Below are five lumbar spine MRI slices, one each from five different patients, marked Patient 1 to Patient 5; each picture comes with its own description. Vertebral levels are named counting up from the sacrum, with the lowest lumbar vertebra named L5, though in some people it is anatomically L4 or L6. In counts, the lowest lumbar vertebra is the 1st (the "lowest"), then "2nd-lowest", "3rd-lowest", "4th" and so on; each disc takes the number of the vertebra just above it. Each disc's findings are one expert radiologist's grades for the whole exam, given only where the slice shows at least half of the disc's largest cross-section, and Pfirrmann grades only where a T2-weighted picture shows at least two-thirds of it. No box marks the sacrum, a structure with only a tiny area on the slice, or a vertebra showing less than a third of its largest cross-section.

Patient 1 of 5:
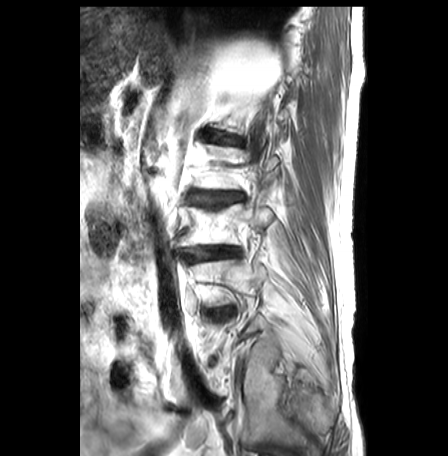
Patient sex: M, Sagittal slice index 7, Sagittal T2-weighted lumbar spine MRI, Slice spacing 3.2 mm

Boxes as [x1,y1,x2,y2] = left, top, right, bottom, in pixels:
L3: [180,204,273,245].
Disc L2/L3: [191,192,240,211].
Disc L4/L5: [212,308,230,315].
Disc L3/L4: [185,246,236,262].

Degenerative findings by level:
• L3/L4: disc bulging, lower-endplate change, disc narrowing, Modic type II, upper-endplate change
• L2/L3: lower-endplate change, disc narrowing, upper-endplate change, disc bulging, Modic type II

Patient 2 of 5:
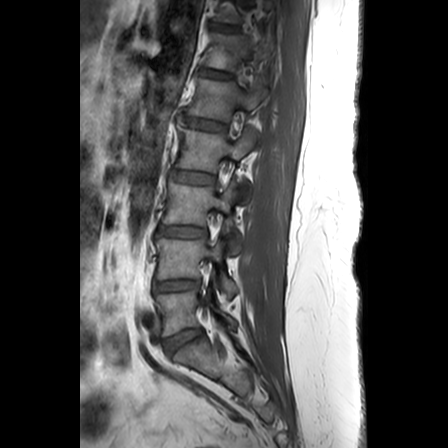
Image 448x448; MRI lumbar spine (T1-weighted), sagittal plane; Slice 16/24; Patient sex: F; Field of view 280x280 mm

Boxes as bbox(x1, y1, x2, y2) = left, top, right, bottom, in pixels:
Annotations:
- L5 (lowest vertebra) at bbox(156, 283, 235, 335)
- L4 (2nd-lowest vertebra) at bbox(155, 236, 237, 302)
- T12 (6th vertebra) at bbox(206, 33, 272, 70)
- IVD L3/L4 (3rd-lowest disc) at bbox(159, 226, 206, 236)
- T11/T12 (7th disc) at bbox(211, 24, 237, 30)
- L3 (3rd-lowest vertebra) at bbox(164, 182, 241, 251)
- L2 (4th vertebra) at bbox(176, 125, 258, 201)
- IVD L1/L2 (5th disc) at bbox(180, 116, 226, 130)
- IVD L2/L3 (4th disc) at bbox(173, 171, 214, 183)
- IVD T12/L1 (6th disc) at bbox(201, 69, 228, 77)
- L5/S1 (lowest disc) at bbox(165, 328, 201, 353)
- L4/L5 (2nd-lowest disc) at bbox(153, 280, 199, 291)
- L1 (5th vertebra) at bbox(185, 78, 267, 121)

Radiological gradings:
- L1/L2 (5th disc): Modic type II, upper-endplate change, disc bulging
- L4/L5 (2nd-lowest disc): disc narrowing
- L3/L4 (3rd-lowest disc): upper-endplate change
- T12/L1 (6th disc), T11/T12 (7th disc), L2/L3 (4th disc), L5/S1 (lowest disc): no Modic or endplate change, herniation, narrowing, bulging or spondylolisthesis recorded

Patient 3 of 5:
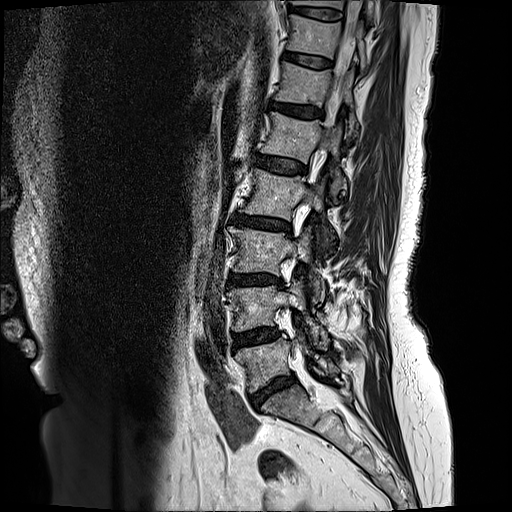 Sex F, Sagittal T2-weighted lumbar spine MRI, 512x512 px

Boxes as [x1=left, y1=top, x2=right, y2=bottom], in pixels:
T10 vertebra at [x1=294, y1=0, x2=377, y2=21].
Thecal sac / spinal canal at [x1=333, y1=1, x2=363, y2=105].
L1/L2 at [x1=255, y1=153, x2=306, y2=173].
T11 vertebra at [x1=289, y1=14, x2=366, y2=69].
Intervertebral disc L5/S1 at [x1=252, y1=377, x2=293, y2=405].
T10/T11 at [x1=290, y1=6, x2=342, y2=20].
L3 at [x1=231, y1=226, x2=325, y2=299].
L2/L3 at [x1=233, y1=213, x2=291, y2=232].
Intervertebral disc T11/T12 at [x1=285, y1=51, x2=332, y2=67].
L2 at [x1=246, y1=170, x2=325, y2=220].
L5 vertebra at [x1=236, y1=335, x2=339, y2=392].
L1 vertebra at [x1=264, y1=111, x2=347, y2=196].
Intervertebral disc L3/L4 at [x1=228, y1=272, x2=282, y2=284].
L4 at [x1=230, y1=281, x2=318, y2=337].
L4/L5 at [x1=234, y1=328, x2=278, y2=348].
T12/L1 at [x1=271, y1=102, x2=325, y2=117].
T12 at [x1=276, y1=62, x2=358, y2=130].

Expert MSK radiologist gradings (per disc):
- L4/L5: Pfirrmann grade 3, disc bulging
- T12/L1: Pfirrmann grade 3, disc bulging
- L1/L2: Pfirrmann grade 2
- T10/T11: Pfirrmann grade 2
- L3/L4: Pfirrmann grade 4, disc bulging, disc narrowing, lower-endplate change, upper-endplate change, Modic type II
- L5/S1: Pfirrmann grade 4, disc bulging, disc narrowing
- L2/L3: Pfirrmann grade 4, upper-endplate change, disc bulging, disc narrowing, lower-endplate change, Modic type II
- T11/T12: Pfirrmann grade 2

Patient 4 of 5:
Slice 91/120. Sagittal T2 SPACE (3D) lumbar spine MRI. Field of view 240x300 mm, slice spacing 0.9 mm. Sex M. 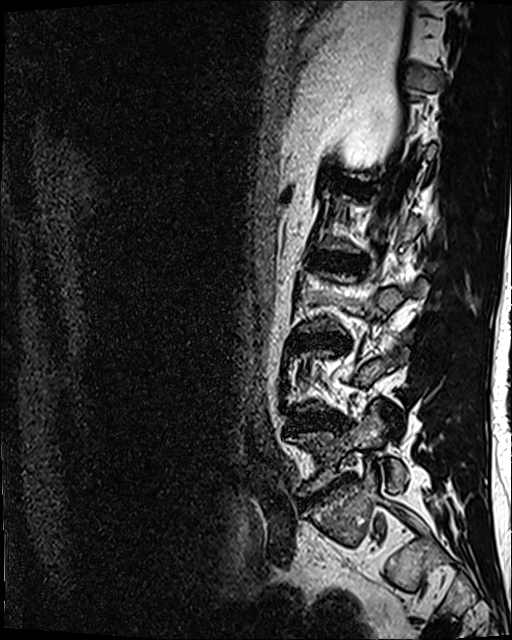

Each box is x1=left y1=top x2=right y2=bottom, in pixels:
L5: x1=288 y1=401 x2=407 y2=495
disc L2/L3: x1=309 y1=253 x2=363 y2=271
disc L3/L4: x1=295 y1=334 x2=346 y2=348
disc L5/S1: x1=303 y1=475 x2=353 y2=503
L4/L5: x1=291 y1=413 x2=343 y2=428
L1/L2: x1=339 y1=179 x2=373 y2=192

Radiological gradings:
- L3/L4: disc bulging, lower-endplate change, disc narrowing
- L2/L3: disc bulging

Patient 5 of 5:
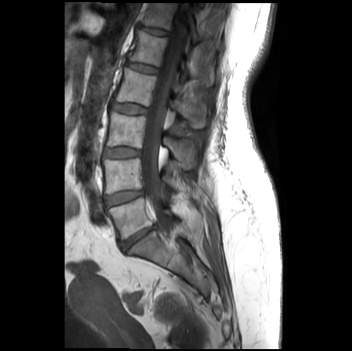 Sagittal T1-weighted lumbar spine MRI, Sex F
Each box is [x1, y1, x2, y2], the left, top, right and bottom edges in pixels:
T12 (6th vertebra) = [143, 3, 198, 42].
Intervertebral disc L2/L3 (4th disc) = [110, 101, 145, 113].
L5/S1 (lowest disc) = [119, 224, 155, 249].
L3/L4 (3rd-lowest disc) = [103, 147, 139, 157].
L2 (4th vertebra) = [114, 68, 205, 127].
Intervertebral disc L1/L2 (5th disc) = [126, 62, 157, 72].
L3 (3rd-lowest vertebra) = [105, 111, 195, 168].
T12/L1 (6th disc) = [139, 25, 168, 35].
Spinal canal = [141, 3, 187, 221].
Intervertebral disc L4/L5 (2nd-lowest disc) = [104, 191, 142, 207].
L4 (2nd-lowest vertebra) = [102, 158, 173, 193].
L1 (5th vertebra) = [130, 30, 213, 84].
L5 (lowest vertebra) = [107, 197, 179, 238].

Radiological gradings:
  L5/S1 (lowest disc): upper-endplate change, disc narrowing, Modic type II, lower-endplate change
  L1/L2 (5th disc), L4/L5 (2nd-lowest disc), L3/L4 (3rd-lowest disc), L2/L3 (4th disc), T12/L1 (6th disc): no spondylolisthesis, narrowing, bulging, herniation, Modic or endplate change recorded